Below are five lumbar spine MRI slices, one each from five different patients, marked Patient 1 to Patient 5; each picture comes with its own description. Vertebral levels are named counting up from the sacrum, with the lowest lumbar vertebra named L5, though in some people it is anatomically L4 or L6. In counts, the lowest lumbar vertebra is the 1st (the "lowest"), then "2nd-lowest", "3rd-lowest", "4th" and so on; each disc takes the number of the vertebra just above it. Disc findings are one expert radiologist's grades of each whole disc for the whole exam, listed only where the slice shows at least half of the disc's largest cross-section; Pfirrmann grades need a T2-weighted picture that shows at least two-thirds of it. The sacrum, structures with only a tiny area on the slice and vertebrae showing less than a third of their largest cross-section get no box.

Patient 1 of 5:
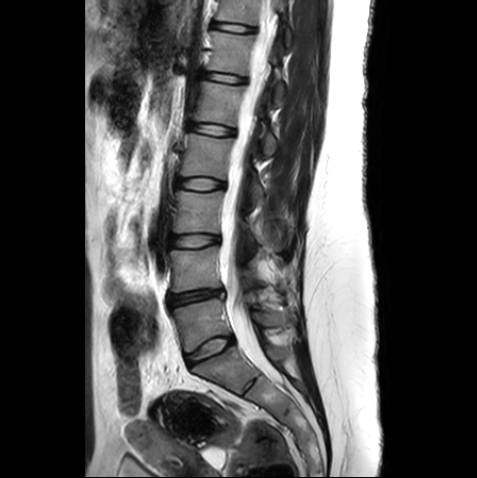

Patient sex: F; Lumbar spine MR, T2-weighted, sagittal

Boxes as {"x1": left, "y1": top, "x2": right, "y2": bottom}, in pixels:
Segmented structures:
- L3: {"x1": 173, "y1": 191, "x2": 255, "y2": 253}
- L4: {"x1": 169, "y1": 246, "x2": 259, "y2": 292}
- thecal sac / spinal canal: {"x1": 219, "y1": 0, "x2": 276, "y2": 376}
- disc L2/L3: {"x1": 177, "y1": 178, "x2": 224, "y2": 189}
- disc L3/L4: {"x1": 168, "y1": 235, "x2": 218, "y2": 247}
- L4/L5: {"x1": 168, "y1": 289, "x2": 225, "y2": 305}
- L1: {"x1": 195, "y1": 81, "x2": 277, "y2": 156}
- L2: {"x1": 181, "y1": 134, "x2": 264, "y2": 201}
- disc L5/S1: {"x1": 186, "y1": 336, "x2": 233, "y2": 366}
- disc T11/T12: {"x1": 213, "y1": 22, "x2": 253, "y2": 32}
- T11 vertebra: {"x1": 217, "y1": 0, "x2": 292, "y2": 48}
- disc L1/L2: {"x1": 189, "y1": 123, "x2": 234, "y2": 135}
- L5 vertebra: {"x1": 171, "y1": 298, "x2": 275, "y2": 352}
- T12/L1: {"x1": 203, "y1": 72, "x2": 245, "y2": 82}
- T12 vertebra: {"x1": 207, "y1": 31, "x2": 283, "y2": 100}

Radiological gradings:
  L2/L3: Pfirrmann grade 1
  L4/L5: Pfirrmann grade 3, disc bulging, disc narrowing
  T12/L1: Pfirrmann grade 1
  L5/S1: Pfirrmann grade 1
  T11/T12: Pfirrmann grade 1
  L1/L2: Pfirrmann grade 1
  L3/L4: Pfirrmann grade 1

Patient 2 of 5:
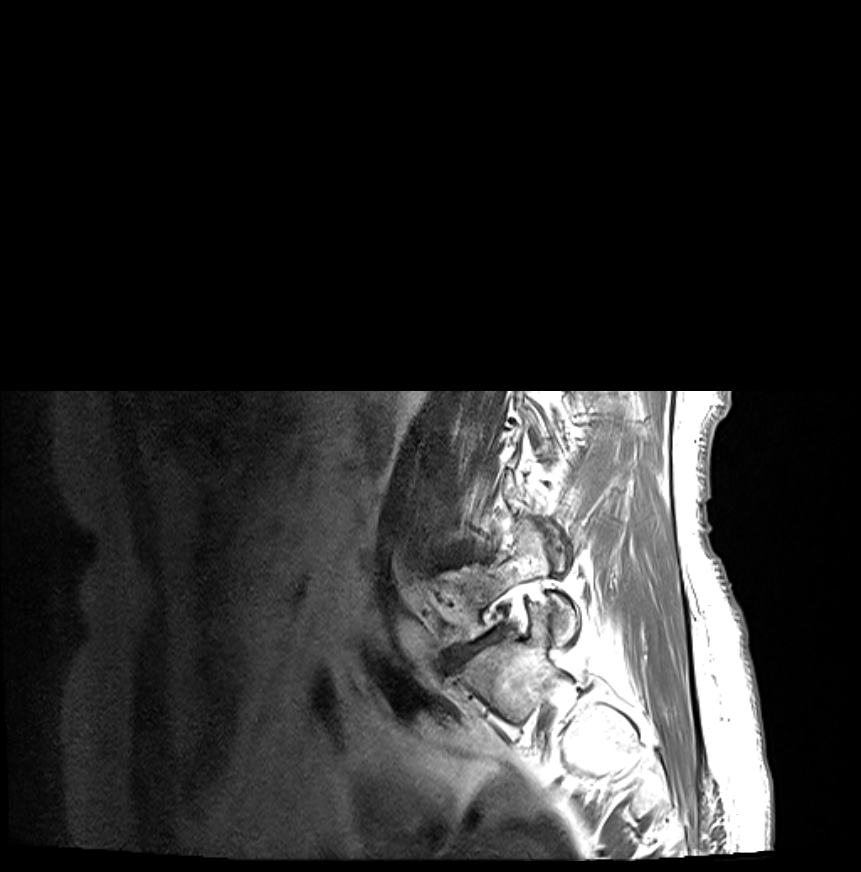 MRI lumbar spine (T1-weighted), sagittal plane.
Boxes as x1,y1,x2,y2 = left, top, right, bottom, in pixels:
lowest disc: 446,626,505,670
lowest vertebra: 442,521,577,646

Patient 3 of 5:
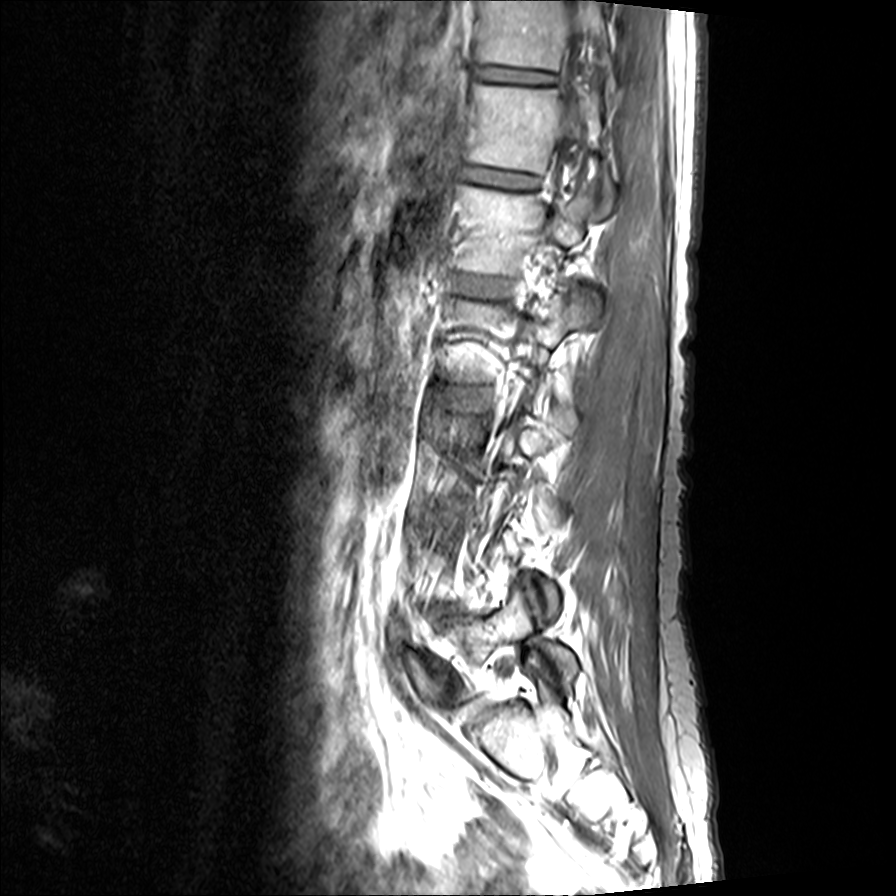

Patient sex: F. Sagittal T1-weighted lumbar spine MRI.
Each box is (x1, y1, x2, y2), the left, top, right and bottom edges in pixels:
Segmented structures:
• 4th vertebra at (448, 286, 600, 382)
• 7th vertebra at (474, 0, 614, 111)
• 5th vertebra at (452, 183, 595, 275)
• 7th disc at (471, 64, 556, 88)
• 5th disc at (448, 273, 512, 298)
• 6th disc at (461, 166, 541, 190)
• 6th vertebra at (467, 83, 614, 211)
• spinal canal at (561, 0, 598, 163)
• 4th disc at (436, 387, 485, 409)
• lowest vertebra at (463, 585, 579, 691)

Degenerative findings by level:
• 4th disc: Modic type II
• 5th disc, 6th disc, 7th disc: no spondylolisthesis, narrowing, bulging, herniation, Modic or endplate change recorded

Patient 4 of 5:
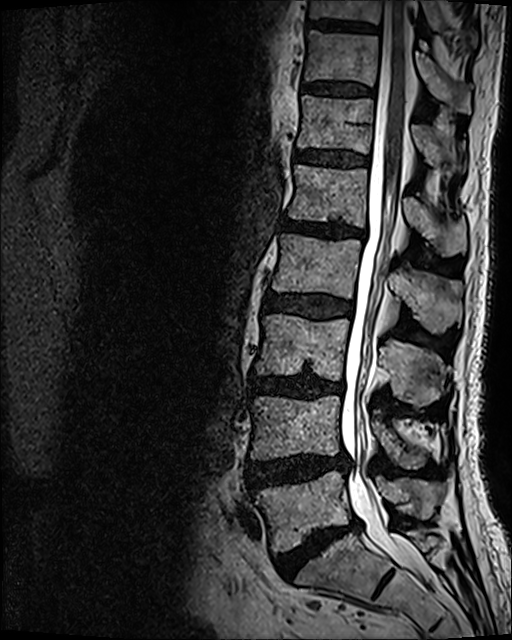 512x640 px. Lumbar spine MR, T2 SPACE (3D), sagittal.
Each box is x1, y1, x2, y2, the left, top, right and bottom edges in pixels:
Structures:
* 8th disc: 307, 19, 378, 34
* 6th disc: 294, 151, 367, 166
* thecal sac / spinal canal: 341, 1, 421, 572
* 5th disc: 281, 220, 365, 236
* 6th vertebra: 297, 95, 464, 165
* lowest vertebra: 256, 471, 439, 552
* 2nd-lowest vertebra: 250, 395, 426, 469
* 7th vertebra: 305, 31, 470, 111
* 3rd-lowest disc: 249, 375, 344, 398
* 8th vertebra: 310, 0, 444, 31
* 7th disc: 303, 84, 373, 94
* 3rd-lowest vertebra: 256, 313, 445, 404
* 5th vertebra: 288, 164, 466, 255
* lowest disc: 274, 520, 361, 579
* 2nd-lowest disc: 246, 454, 348, 489
* 4th vertebra: 271, 233, 461, 332
* 4th disc: 262, 291, 352, 319

Radiological gradings:
  7th disc: Pfirrmann grade 3
  3rd-lowest disc: Pfirrmann grade 4, lower-endplate change, Modic type II, disc bulging, disc narrowing
  5th disc: Pfirrmann grade 4, lower-endplate change, disc bulging, upper-endplate change, Modic type II, disc narrowing
  6th disc: Pfirrmann grade 3
  lowest disc: Pfirrmann grade 5, Modic type II, lower-endplate change, disc narrowing, disc bulging
  4th disc: Pfirrmann grade 3, disc bulging
  2nd-lowest disc: Pfirrmann grade 4, disc bulging, disc herniation

Patient 5 of 5:
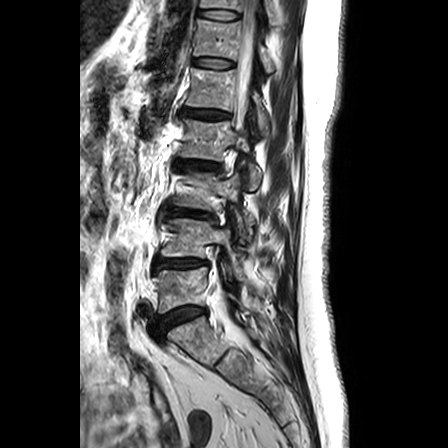
Slice 17/24; Sagittal T2-weighted lumbar spine MRI

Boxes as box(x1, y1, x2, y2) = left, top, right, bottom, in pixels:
IVD L2/L3: box(175, 159, 219, 169).
L5 vertebra: box(153, 267, 242, 313).
L4 vertebra: box(161, 218, 244, 279).
L3/L4: box(168, 208, 211, 217).
IVD T11/T12: box(198, 9, 239, 19).
T12/L1: box(193, 58, 234, 68).
Spinal canal: box(237, 0, 258, 108).
L4/L5: box(154, 258, 207, 271).
T11 vertebra: box(200, 0, 279, 25).
L1/L2: box(182, 108, 230, 119).
T12: box(194, 19, 275, 72).
L3 vertebra: box(172, 170, 252, 238).
L2: box(178, 118, 261, 189).
L1: box(186, 68, 269, 130).
IVD L5/S1: box(158, 306, 205, 329).

Degenerative findings by level:
- L5/S1: Pfirrmann grade 2, upper-endplate change, lower-endplate change, Modic type II
- L4/L5: Pfirrmann grade 3, disc bulging, lower-endplate change, Modic type II, upper-endplate change
- T11/T12: Pfirrmann grade 1
- T12/L1: Pfirrmann grade 1
- L2/L3: lower-endplate change, Modic type II, upper-endplate change, disc narrowing, disc bulging
- L1/L2: Pfirrmann grade 3, disc bulging, disc narrowing